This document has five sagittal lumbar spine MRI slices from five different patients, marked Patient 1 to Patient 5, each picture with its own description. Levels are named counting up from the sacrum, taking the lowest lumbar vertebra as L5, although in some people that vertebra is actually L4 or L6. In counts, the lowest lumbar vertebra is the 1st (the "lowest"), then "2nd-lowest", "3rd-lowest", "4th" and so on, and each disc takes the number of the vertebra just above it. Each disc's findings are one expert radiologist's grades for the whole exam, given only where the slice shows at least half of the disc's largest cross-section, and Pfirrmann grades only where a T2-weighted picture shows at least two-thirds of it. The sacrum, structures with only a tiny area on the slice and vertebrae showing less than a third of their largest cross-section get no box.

Patient 1 of 5:
Sagittal slice index 28 | MRI lumbar spine (T1-weighted), sagittal plane 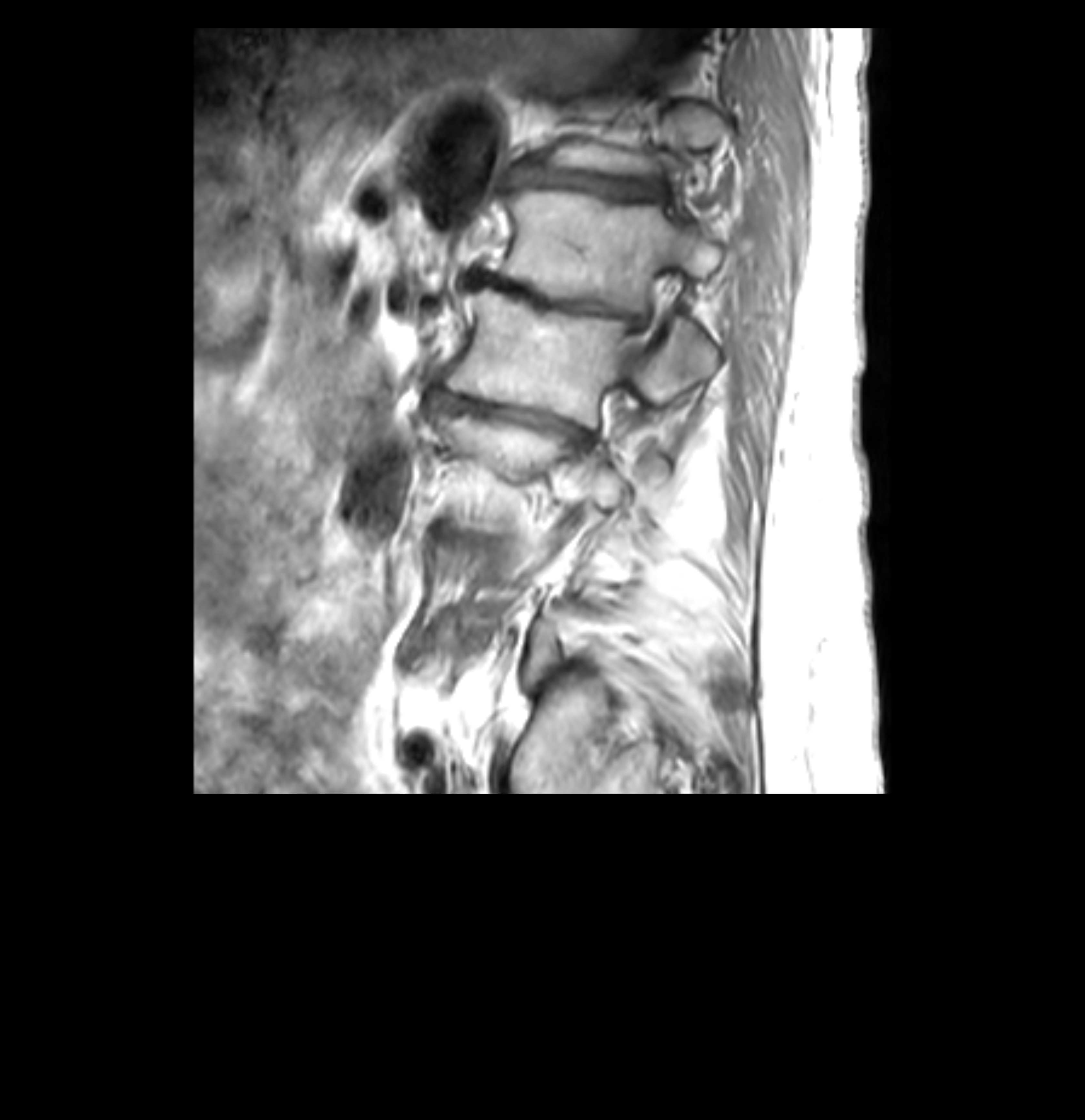

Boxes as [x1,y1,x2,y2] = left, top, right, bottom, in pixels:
Segmented structures:
- L1 (5th vertebra): [492,190,753,313]
- L2 (4th vertebra): [446,289,717,425]
- thecal sac / spinal canal: [618,274,666,369]
- intervertebral disc L2/L3 (4th disc): [426,385,598,452]
- T12/L1 (6th disc): [513,167,668,202]
- intervertebral disc L1/L2 (5th disc): [477,273,646,331]

Radiological gradings:
- T12/L1 (6th disc): disc narrowing, lower-endplate change, Modic type II, disc bulging, upper-endplate change
- L2/L3 (4th disc): disc narrowing, lower-endplate change, disc bulging, upper-endplate change, Modic type II

Patient 2 of 5:
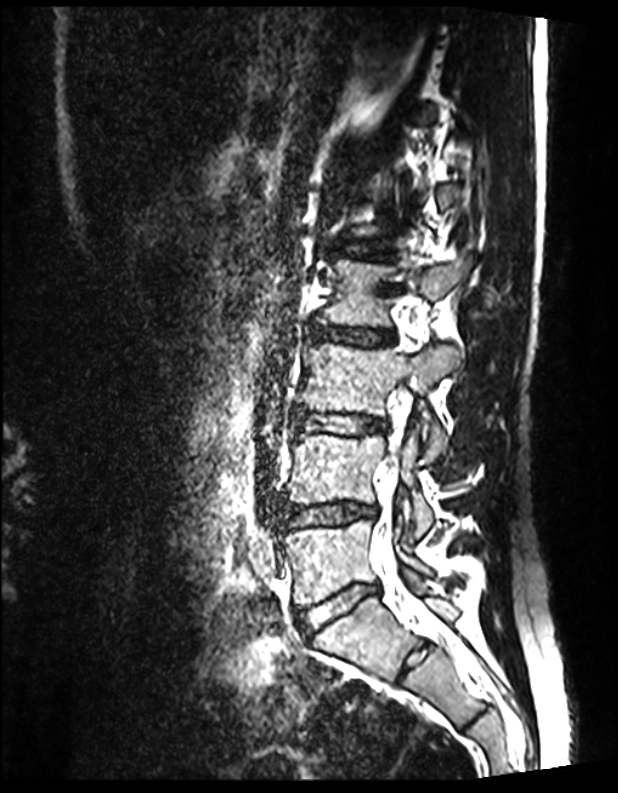

Lumbar spine MR, T2 SPACE (3D), sagittal
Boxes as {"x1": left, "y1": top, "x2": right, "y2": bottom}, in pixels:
• 4th disc = {"x1": 307, "y1": 324, "x2": 395, "y2": 346}
• 3rd-lowest vertebra = {"x1": 296, "y1": 344, "x2": 459, "y2": 461}
• 3rd-lowest disc = {"x1": 294, "y1": 410, "x2": 385, "y2": 435}
• 5th disc = {"x1": 328, "y1": 240, "x2": 390, "y2": 258}
• spinal canal = {"x1": 372, "y1": 384, "x2": 457, "y2": 647}
• lowest vertebra = {"x1": 284, "y1": 520, "x2": 430, "y2": 605}
• 2nd-lowest disc = {"x1": 281, "y1": 501, "x2": 374, "y2": 528}
• lowest disc = {"x1": 296, "y1": 585, "x2": 378, "y2": 636}
• 4th vertebra = {"x1": 317, "y1": 254, "x2": 474, "y2": 326}
• 2nd-lowest vertebra = {"x1": 287, "y1": 434, "x2": 432, "y2": 537}

Expert MSK radiologist gradings (per disc):
- 4th disc: Pfirrmann grade 1
- lowest disc: Pfirrmann grade 1
- 3rd-lowest disc: Pfirrmann grade 1
- 2nd-lowest disc: Pfirrmann grade 1
- 5th disc: no spondylolisthesis, narrowing, bulging, herniation, Modic or endplate change recorded

Patient 3 of 5:
MRI lumbar spine (T1-weighted), sagittal plane; Image 615x613
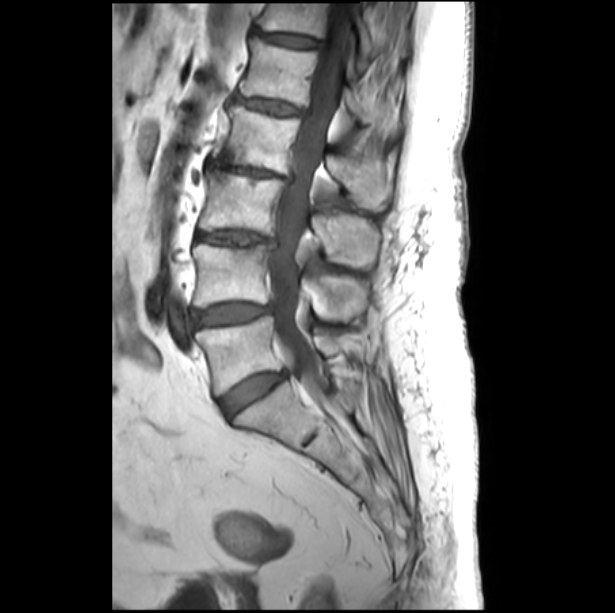

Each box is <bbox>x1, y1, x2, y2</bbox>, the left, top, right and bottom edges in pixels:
Annotations:
* L3 — <bbox>199, 169, 379, 266</bbox>
* spinal canal — <bbox>267, 3, 351, 398</bbox>
* L2 vertebra — <bbox>213, 105, 392, 208</bbox>
* L5/S1 — <bbox>220, 373, 284, 415</bbox>
* L4/L5 — <bbox>191, 302, 271, 327</bbox>
* L1/L2 — <bbox>234, 95, 302, 114</bbox>
* L1 — <bbox>240, 38, 398, 134</bbox>
* IVD L3/L4 — <bbox>196, 231, 275, 246</bbox>
* L4 — <bbox>192, 244, 366, 320</bbox>
* T12 vertebra — <bbox>257, 3, 402, 73</bbox>
* IVD L2/L3 — <bbox>208, 160, 291, 181</bbox>
* IVD T12/L1 — <bbox>256, 30, 322, 47</bbox>
* L5 — <bbox>195, 316, 366, 395</bbox>

Radiological gradings:
• L5/S1: disc bulging
• L1/L2: Modic type II, lower-endplate change, disc bulging, upper-endplate change
• L2/L3: disc bulging, disc narrowing, Modic type II, upper-endplate change, lower-endplate change
• L4/L5: disc bulging
• T12/L1: disc bulging, lower-endplate change, upper-endplate change, Modic type II
• L3/L4: disc narrowing, upper-endplate change, Modic type II, lower-endplate change, disc bulging

Patient 4 of 5:
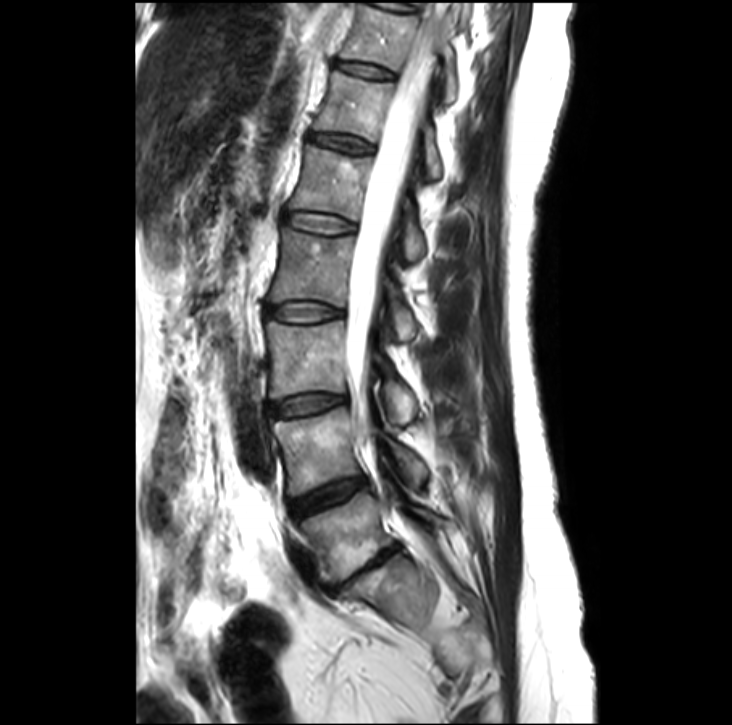

Field of view 284x282 mm | MRI lumbar spine (T2-weighted), sagittal plane
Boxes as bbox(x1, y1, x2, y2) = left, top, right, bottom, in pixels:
5th vertebra at bbox(290, 145, 424, 262); 3rd-lowest disc at bbox(270, 395, 343, 416); 2nd-lowest vertebra at bbox(273, 408, 426, 496); 3rd-lowest vertebra at bbox(267, 320, 417, 423); 7th disc at bbox(337, 60, 393, 78); 5th disc at bbox(286, 212, 353, 233); 7th vertebra at bbox(340, 3, 458, 103); thecal sac / spinal canal at bbox(346, 38, 436, 443); 2nd-lowest disc at bbox(292, 477, 364, 517); lowest disc at bbox(337, 544, 400, 590); 4th disc at bbox(265, 303, 339, 321); lowest vertebra at bbox(301, 487, 446, 581); 4th vertebra at bbox(270, 228, 416, 340); 6th vertebra at bbox(313, 69, 441, 177); 6th disc at bbox(309, 133, 370, 153).

Degenerative findings by level:
  5th disc: Pfirrmann grade 2
  4th disc: Pfirrmann grade 2
  lowest disc: lower-endplate change, upper-endplate change, Modic type II, disc narrowing, disc bulging
  6th disc: Pfirrmann grade 3
  3rd-lowest disc: Pfirrmann grade 2, disc bulging
  7th disc: Pfirrmann grade 2
  2nd-lowest disc: Pfirrmann grade 3, disc bulging

Patient 5 of 5:
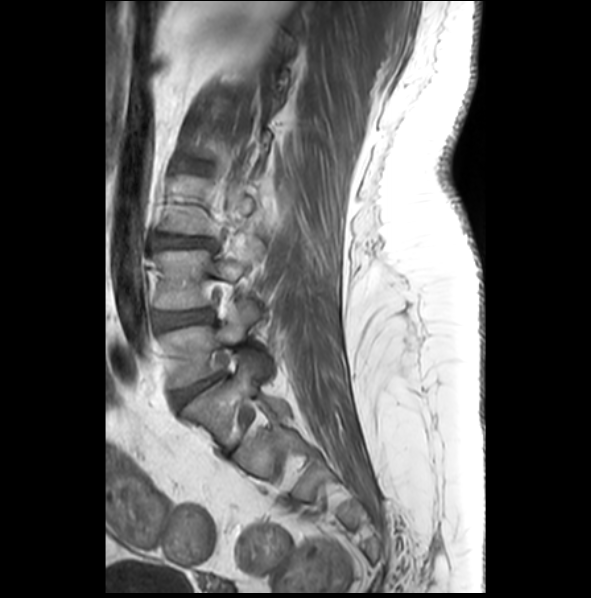 Field of view 280x283 mm, slice spacing 3.3 mm, T1-weighted sagittal MRI of the lumbar spine
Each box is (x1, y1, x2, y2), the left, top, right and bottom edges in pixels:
L5/S1 (lowest disc) at (173, 374, 223, 408), L4 (2nd-lowest vertebra) at (154, 239, 264, 308), L4/L5 (2nd-lowest disc) at (156, 309, 211, 328), L5 (lowest vertebra) at (161, 304, 259, 385), L3/L4 (3rd-lowest disc) at (153, 234, 215, 247).

Radiological gradings:
- L3/L4 (3rd-lowest disc): lower-endplate change, disc narrowing, Modic type II, upper-endplate change, disc bulging
- L4/L5 (2nd-lowest disc): disc bulging